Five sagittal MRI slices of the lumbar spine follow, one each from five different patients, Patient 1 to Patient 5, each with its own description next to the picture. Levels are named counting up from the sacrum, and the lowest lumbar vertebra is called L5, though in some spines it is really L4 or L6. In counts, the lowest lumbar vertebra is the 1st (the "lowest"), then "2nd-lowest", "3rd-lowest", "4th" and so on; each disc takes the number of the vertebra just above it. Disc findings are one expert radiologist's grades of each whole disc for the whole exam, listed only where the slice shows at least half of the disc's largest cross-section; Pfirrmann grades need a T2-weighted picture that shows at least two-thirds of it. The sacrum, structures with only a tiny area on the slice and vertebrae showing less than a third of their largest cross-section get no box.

Patient 1 of 5:
T1-weighted sagittal MRI of the lumbar spine
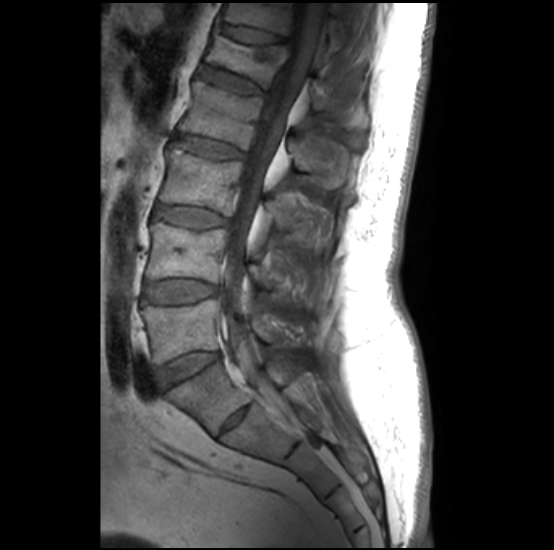

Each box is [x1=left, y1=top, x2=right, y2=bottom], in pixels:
L1 vertebra at [x1=206, y1=26, x2=367, y2=126], IVD L5/S1 at [x1=157, y1=353, x2=218, y2=388], L2/L3 at [x1=172, y1=134, x2=245, y2=158], L4 vertebra at [x1=146, y1=222, x2=304, y2=300], IVD L3/L4 at [x1=156, y1=204, x2=227, y2=228], L3 vertebra at [x1=160, y1=146, x2=330, y2=243], T12 vertebra at [x1=222, y1=2, x2=342, y2=56], L2 at [x1=178, y1=79, x2=347, y2=187], IVD T12/L1 at [x1=220, y1=23, x2=284, y2=43], L1/L2 at [x1=201, y1=65, x2=263, y2=94], spinal canal at [x1=220, y1=2, x2=325, y2=382], L5 vertebra at [x1=143, y1=299, x2=295, y2=363], L4/L5 at [x1=143, y1=280, x2=216, y2=301].

Expert MSK radiologist gradings (per disc):
  L4/L5: upper-endplate change, lower-endplate change, Modic type II
  L1/L2: Modic type II, lower-endplate change, upper-endplate change
  L2/L3: Modic type II, upper-endplate change, lower-endplate change
  T12/L1: upper-endplate change, spondylolisthesis
  L3/L4: lower-endplate change, Modic type II, upper-endplate change
  L5/S1: no Modic or endplate change, herniation, narrowing, bulging or spondylolisthesis recorded

Patient 2 of 5:
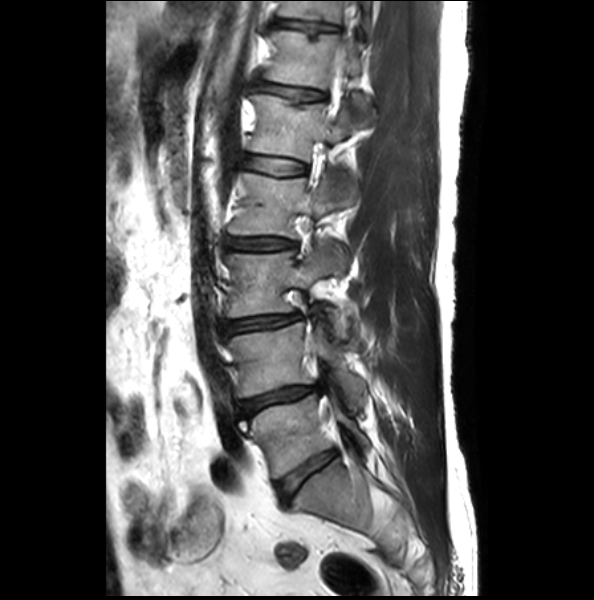 Image 594x600 | Sagittal slice index 10 | T2-weighted sagittal MRI of the lumbar spine | Sex M

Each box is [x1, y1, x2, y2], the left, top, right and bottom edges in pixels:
* T12 vertebra: [264, 31, 376, 125]
* L4/L5: [237, 385, 319, 416]
* L5: [240, 384, 369, 478]
* IVD T11/T12: [276, 20, 337, 38]
* L3 vertebra: [227, 248, 349, 340]
* L1/L2: [245, 157, 305, 175]
* IVD T12/L1: [256, 82, 324, 100]
* L3/L4: [221, 314, 300, 333]
* L4 vertebra: [228, 324, 366, 406]
* L1 vertebra: [251, 96, 353, 160]
* L2/L3: [224, 237, 296, 251]
* L2 vertebra: [228, 174, 358, 269]
* IVD L5/S1: [276, 450, 337, 501]
* T11 vertebra: [280, 2, 372, 32]

Expert MSK radiologist gradings (per disc):
- L1/L2: Pfirrmann grade 1, upper-endplate change
- T11/T12: Pfirrmann grade 1, upper-endplate change, lower-endplate change, disc bulging
- L2/L3: Pfirrmann grade 2, disc narrowing, disc bulging
- T12/L1: Pfirrmann grade 2, upper-endplate change, disc bulging
- L4/L5: Pfirrmann grade 2, disc narrowing, lower-endplate change, disc bulging
- L5/S1: upper-endplate change, lower-endplate change
- L3/L4: Pfirrmann grade 2, disc bulging, disc narrowing

Patient 3 of 5:
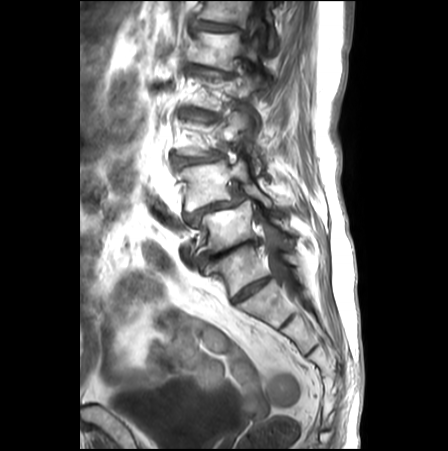 448x451 px. Slice 18/26. Lumbar spine MR, T1-weighted, sagittal.
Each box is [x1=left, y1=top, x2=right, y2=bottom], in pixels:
Segmented structures:
- L1/L2 (5th disc) at [x1=186, y1=63, x2=233, y2=76]
- L3 (3rd-lowest vertebra) at [x1=178, y1=110, x2=261, y2=174]
- T12 (6th vertebra) at [x1=197, y1=1, x2=276, y2=53]
- disc L5/S1 (lowest disc) at [x1=198, y1=240, x2=258, y2=265]
- L4 (2nd-lowest vertebra) at [x1=178, y1=154, x2=275, y2=211]
- L1 (5th vertebra) at [x1=188, y1=30, x2=264, y2=72]
- L4/L5 (2nd-lowest disc) at [x1=185, y1=189, x2=245, y2=226]
- L5 (lowest vertebra) at [x1=199, y1=200, x2=298, y2=252]
- thecal sac / spinal canal at [x1=244, y1=0, x2=301, y2=299]
- disc T12/L1 (6th disc) at [x1=190, y1=19, x2=245, y2=34]
- L2 (4th vertebra) at [x1=193, y1=68, x2=259, y2=125]
- L2/L3 (4th disc) at [x1=182, y1=109, x2=218, y2=119]
- L3/L4 (3rd-lowest disc) at [x1=174, y1=154, x2=222, y2=168]

Radiological gradings:
- T12/L1 (6th disc): lower-endplate change, disc bulging, upper-endplate change
- L5/S1 (lowest disc): disc narrowing, lower-endplate change, upper-endplate change, disc herniation, Modic type II, disc bulging
- L1/L2 (5th disc): disc bulging, lower-endplate change, disc narrowing
- L4/L5 (2nd-lowest disc): Modic type II, disc bulging, disc narrowing, disc herniation, lower-endplate change, spondylolisthesis, upper-endplate change

Patient 4 of 5:
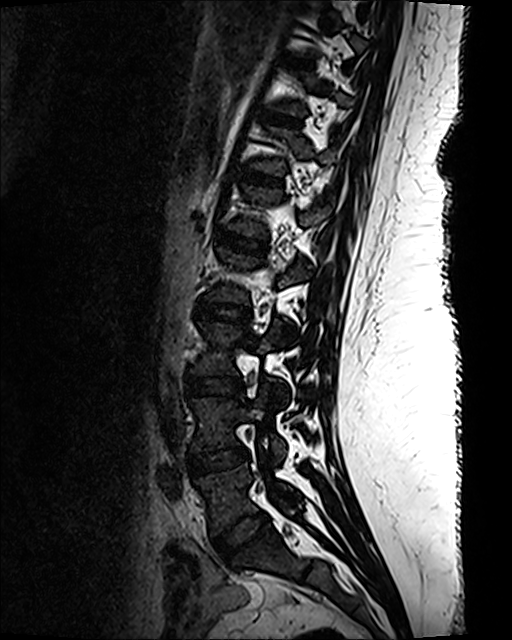 T2 SPACE (3D) sagittal MRI of the lumbar spine; Sagittal slice index 43; Sex F; Field of view 240x300 mm, slice spacing 0.9 mm
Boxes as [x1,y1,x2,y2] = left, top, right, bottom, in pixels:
L3/L4 at [187,376,242,395].
T12 vertebra at [250,127,334,174].
T10/T11 at [285,59,311,67].
Disc L1/L2 at [217,233,265,252].
L2/L3 at [196,301,250,321].
L2 vertebra at [208,249,307,336].
L4/L5 at [191,447,249,474].
L5/S1 at [212,512,268,561].
L4 at [189,386,285,461].
Disc T12/L1 at [242,171,281,186].
L3 vertebra at [191,322,286,398].
L5 at [194,463,300,535].
T11/T12 at [260,111,299,126].
L1 vertebra at [229,185,324,265].

Radiological gradings:
• L2/L3: Pfirrmann grade 1
• L3/L4: Pfirrmann grade 1
• L4/L5: Pfirrmann grade 1
• L5/S1: Pfirrmann grade 1
• L1/L2: Pfirrmann grade 1
• T11/T12, T12/L1: no herniation, bulging, narrowing, spondylolisthesis, endplate or Modic change recorded

Patient 5 of 5:
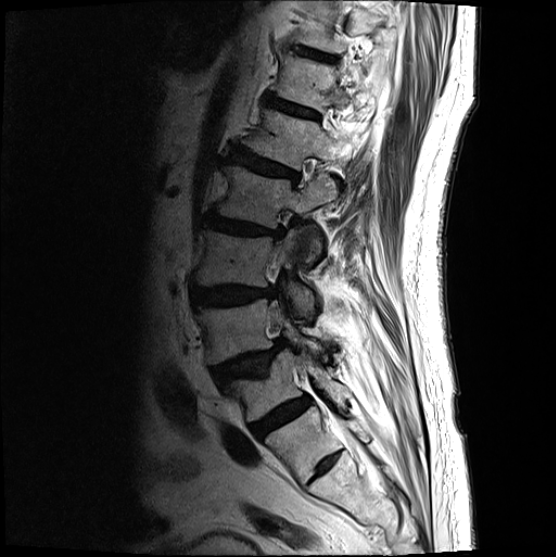 Patient sex: M | T2-weighted sagittal MRI of the lumbar spine | 556x557 px | Slice spacing 3.3 mm

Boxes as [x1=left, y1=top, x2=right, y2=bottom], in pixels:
Disc L1/L2: [x1=230, y1=148, x2=299, y2=181].
T11/T12: [x1=300, y1=48, x2=337, y2=62].
T12: [x1=277, y1=56, x2=372, y2=111].
Disc L4/L5: [x1=213, y1=338, x2=286, y2=386].
L3/L4: [x1=192, y1=286, x2=275, y2=306].
L5: [x1=227, y1=349, x2=349, y2=422].
L3 vertebra: [x1=193, y1=229, x2=314, y2=314].
L4: [x1=196, y1=299, x2=322, y2=364].
L2/L3: [x1=203, y1=213, x2=284, y2=238].
L1: [x1=244, y1=109, x2=356, y2=169].
T12/L1: [x1=266, y1=96, x2=319, y2=118].
L5/S1: [x1=250, y1=396, x2=311, y2=438].
L2: [x1=215, y1=164, x2=338, y2=263].

Radiological gradings:
  T11/T12: lower-endplate change
  T12/L1: Pfirrmann grade 3
  L4/L5: Pfirrmann grade 4, disc herniation, spondylolisthesis, upper-endplate change
  L1/L2: Pfirrmann grade 4, upper-endplate change, disc bulging, lower-endplate change
  L2/L3: Pfirrmann grade 4, lower-endplate change, upper-endplate change, disc bulging, disc narrowing
  L3/L4: Pfirrmann grade 4, disc bulging
  L5/S1: Pfirrmann grade 4